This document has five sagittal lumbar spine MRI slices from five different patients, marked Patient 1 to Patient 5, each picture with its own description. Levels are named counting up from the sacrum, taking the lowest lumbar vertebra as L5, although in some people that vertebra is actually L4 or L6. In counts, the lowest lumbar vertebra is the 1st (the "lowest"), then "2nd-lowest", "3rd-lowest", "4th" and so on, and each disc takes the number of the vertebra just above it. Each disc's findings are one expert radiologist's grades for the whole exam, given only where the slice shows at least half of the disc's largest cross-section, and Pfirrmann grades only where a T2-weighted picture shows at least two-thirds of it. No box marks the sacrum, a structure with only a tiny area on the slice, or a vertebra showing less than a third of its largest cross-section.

Patient 1 of 5:
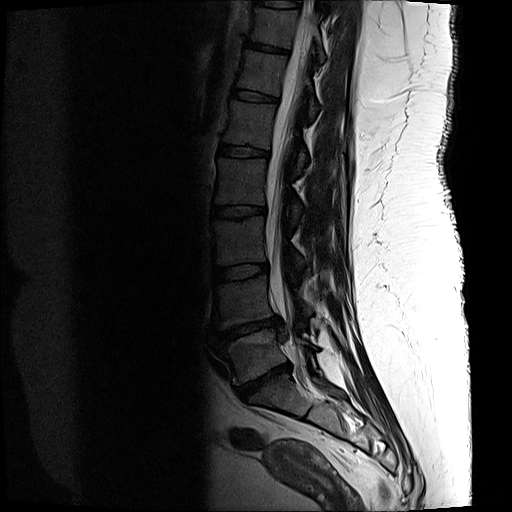 Lumbar spine MR, T2-weighted, sagittal

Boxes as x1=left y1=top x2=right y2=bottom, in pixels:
Spinal canal at x1=265 y1=0 x2=313 y2=360, T12 at x1=236 y1=50 x2=319 y2=119, T11 at x1=250 y1=7 x2=326 y2=62, L2 vertebra at x1=214 y1=158 x2=305 y2=224, intervertebral disc T12/L1 at x1=233 y1=89 x2=276 y2=101, intervertebral disc L5/S1 at x1=235 y1=362 x2=291 y2=401, L2/L3 at x1=212 y1=205 x2=265 y2=217, L5 vertebra at x1=224 y1=328 x2=317 y2=384, intervertebral disc L3/L4 at x1=214 y1=263 x2=268 y2=281, L3 at x1=212 y1=216 x2=307 y2=269, L4 vertebra at x1=214 y1=276 x2=312 y2=329, intervertebral disc T11/T12 at x1=245 y1=41 x2=288 y2=52, L1 at x1=223 y1=100 x2=308 y2=173, L4/L5 at x1=219 y1=317 x2=285 y2=342, L1/L2 at x1=219 y1=144 x2=268 y2=157.

Radiological gradings:
• T11/T12: Pfirrmann grade 3, lower-endplate change
• L1/L2: Pfirrmann grade 3, lower-endplate change
• L3/L4: Pfirrmann grade 3
• T12/L1: Pfirrmann grade 3
• L2/L3: Pfirrmann grade 3, upper-endplate change, lower-endplate change
• L5/S1: Pfirrmann grade 5, lower-endplate change, Modic type II, upper-endplate change, disc narrowing, disc herniation
• L4/L5: Pfirrmann grade 5, Modic type II, upper-endplate change, disc herniation, disc narrowing, lower-endplate change

Patient 2 of 5:
Lumbar spine MR, T1-weighted, sagittal. Sex F. Image 477x478.

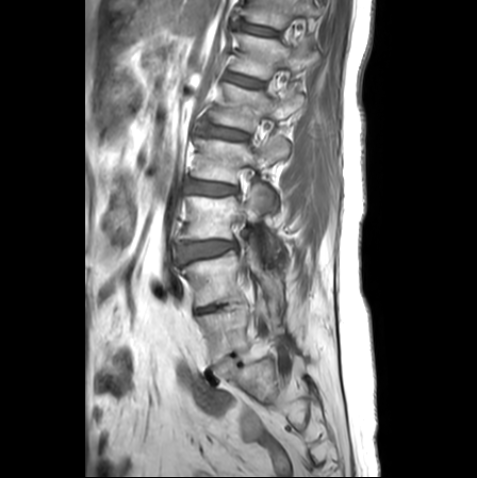 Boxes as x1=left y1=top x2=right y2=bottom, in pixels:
3rd-lowest disc: x1=177 y1=241 x2=235 y2=262 | 5th disc: x1=204 y1=123 x2=247 y2=139 | 4th disc: x1=186 y1=180 x2=238 y2=194 | 4th vertebra: x1=192 y1=136 x2=289 y2=209 | 5th vertebra: x1=210 y1=83 x2=304 y2=130 | lowest disc: x1=210 y1=355 x2=242 y2=380 | 3rd-lowest vertebra: x1=179 y1=184 x2=279 y2=264 | 2nd-lowest vertebra: x1=180 y1=231 x2=284 y2=312 | lowest vertebra: x1=197 y1=282 x2=269 y2=364 | 6th vertebra: x1=230 y1=33 x2=318 y2=79 | 2nd-lowest disc: x1=197 y1=304 x2=225 y2=313 | 7th disc: x1=239 y1=21 x2=278 y2=35 | 7th vertebra: x1=243 y1=0 x2=321 y2=28 | 6th disc: x1=226 y1=72 x2=264 y2=87

Per-level radiological findings:
• 2nd-lowest disc: disc narrowing
• 4th disc: disc bulging, lower-endplate change, upper-endplate change
• 5th disc: upper-endplate change, lower-endplate change
• 3rd-lowest disc: upper-endplate change, lower-endplate change, disc bulging, Modic type II
• 6th disc, lowest disc, 7th disc: no spondylolisthesis, narrowing, bulging, herniation, Modic or endplate change recorded

Patient 3 of 5:
Slice spacing 3.3 mm; Patient sex: M; Sagittal slice index 11; MRI lumbar spine (T1-weighted), sagittal plane; Philips Healthcare Ingenia (3T); Image 448x449 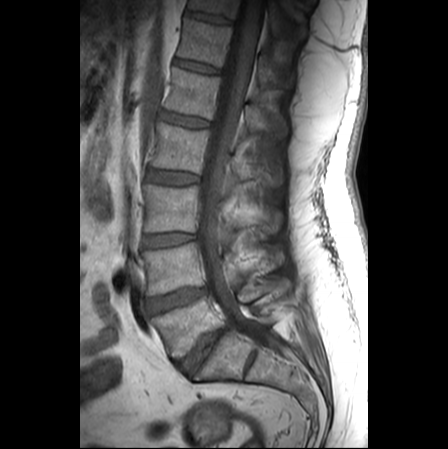 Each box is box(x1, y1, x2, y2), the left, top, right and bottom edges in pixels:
Spinal canal at box(197, 0, 280, 351).
L2 at box(150, 122, 282, 186).
L1/L2 at box(160, 111, 208, 127).
L1 vertebra at box(165, 68, 287, 137).
L5 at box(151, 280, 290, 359).
L3/L4 at box(144, 233, 193, 246).
T12 vertebra at box(178, 18, 293, 87).
L2/L3 at box(148, 170, 198, 184).
T12/L1 at box(175, 59, 219, 73).
T11 at box(190, 0, 281, 31).
L5/S1 at box(177, 327, 227, 373).
L3 vertebra at box(144, 185, 282, 234).
L4 vertebra at box(143, 242, 284, 295).
Intervertebral disc T11/T12 at box(187, 11, 231, 23).
L4/L5 at box(149, 288, 205, 313).

Degenerative findings by level:
• L4/L5: disc bulging, Modic type II
• L5/S1: disc narrowing, disc bulging, Modic type II
• L1/L2, L2/L3, T12/L1, L3/L4, T11/T12: no Modic or endplate change, herniation, narrowing, bulging or spondylolisthesis recorded

Patient 4 of 5:
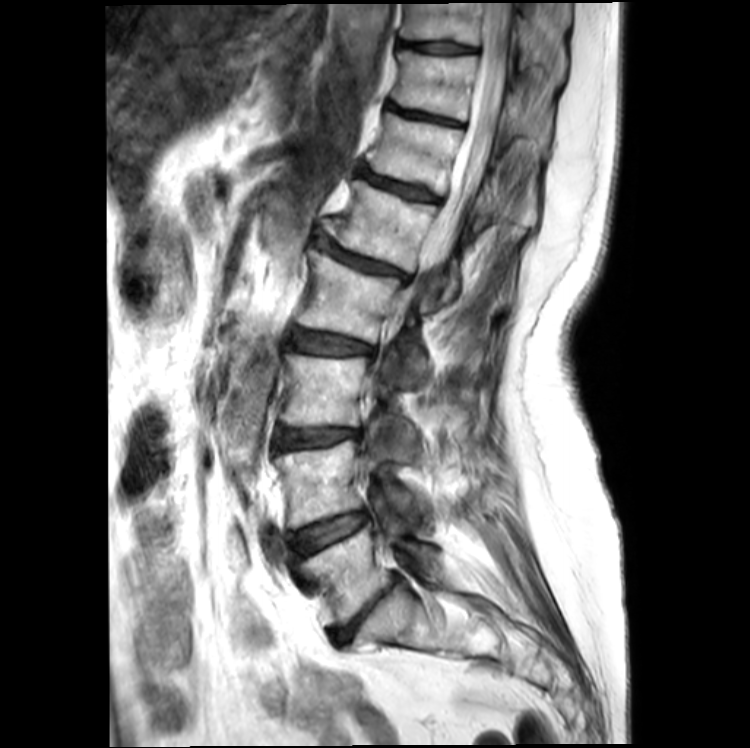 750x748 px; MRI lumbar spine (T2-weighted), sagittal plane; Slice spacing 4.4 mm
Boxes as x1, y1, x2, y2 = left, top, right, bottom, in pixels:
IVD L4/L5 (2nd-lowest disc) at 295, 510, 370, 555.
IVD T11/T12 (7th disc) at 389, 104, 462, 125.
L5 (lowest vertebra) at 303, 519, 432, 627.
T11 (7th vertebra) at 393, 51, 522, 133.
L3 (3rd-lowest vertebra) at 282, 354, 417, 446.
L4 (2nd-lowest vertebra) at 276, 439, 413, 528.
L2 (4th vertebra) at 297, 250, 427, 382.
T12 (6th vertebra) at 365, 112, 494, 235.
T10 (8th vertebra) at 400, 3, 531, 54.
L1 (5th vertebra) at 324, 178, 458, 303.
IVD L1/L2 (5th disc) at 320, 238, 410, 280.
L2/L3 (4th disc) at 289, 327, 376, 353.
L3/L4 (3rd-lowest disc) at 278, 427, 361, 448.
Thecal sac / spinal canal at 384, 3, 513, 355.
T12/L1 (6th disc) at 358, 167, 440, 201.
T10/T11 (8th disc) at 403, 42, 478, 54.
L5/S1 (lowest disc) at 330, 580, 398, 644.

Radiological gradings:
• T12/L1 (6th disc): Pfirrmann grade 4, Modic type II, upper-endplate change, disc narrowing, lower-endplate change
• L2/L3 (4th disc): Pfirrmann grade 3, disc bulging, Modic type II
• T10/T11 (8th disc): Pfirrmann grade 2, lower-endplate change
• L3/L4 (3rd-lowest disc): Pfirrmann grade 3, Modic type II, disc bulging, disc narrowing
• L4/L5 (2nd-lowest disc): Pfirrmann grade 3, Modic type II, disc bulging
• T11/T12 (7th disc): Pfirrmann grade 4, disc narrowing, Modic type II, lower-endplate change, upper-endplate change
• L1/L2 (5th disc): Pfirrmann grade 4, lower-endplate change, disc narrowing, disc bulging, upper-endplate change, spondylolisthesis, Modic type II
• L5/S1 (lowest disc): disc bulging, upper-endplate change, disc narrowing, lower-endplate change

Patient 5 of 5:
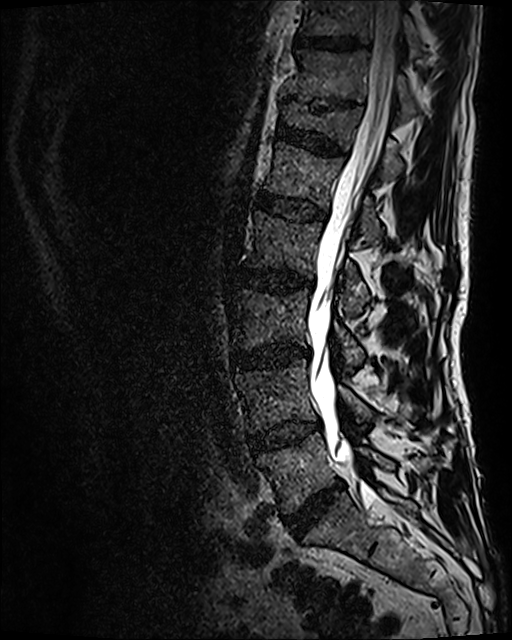 Sagittal T2 SPACE (3D) lumbar spine MRI
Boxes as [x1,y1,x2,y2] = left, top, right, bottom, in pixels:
Segmented structures:
- spinal canal: [307,0,413,527]
- L3 vertebra: [230,289,364,372]
- T11 vertebra: [286,50,415,117]
- T10/T11: [295,36,359,49]
- disc L2/L3: [236,269,313,291]
- L2 vertebra: [247,211,371,318]
- T10 vertebra: [301,0,426,56]
- disc L4/L5: [249,422,318,452]
- disc L5/S1: [285,482,342,537]
- T11/T12: [312,100,350,109]
- L1 vertebra: [265,140,381,243]
- T12: [280,104,402,179]
- L5 vertebra: [257,432,435,513]
- L4 vertebra: [235,359,372,433]
- T12/L1: [276,123,344,155]
- disc L1/L2: [257,192,326,220]
- L3/L4: [234,347,309,368]

Degenerative findings by level:
- L3/L4: Pfirrmann grade 4, disc narrowing, Modic type II, disc bulging
- L1/L2: Pfirrmann grade 3
- T11/T12: lower-endplate change, disc narrowing, upper-endplate change
- L2/L3: Pfirrmann grade 3, Modic type II, disc bulging
- L5/S1: Pfirrmann grade 4, disc narrowing, disc bulging
- T10/T11: Pfirrmann grade 3
- L4/L5: Pfirrmann grade 3, Modic type II, disc bulging
- T12/L1: Pfirrmann grade 3, upper-endplate change, lower-endplate change